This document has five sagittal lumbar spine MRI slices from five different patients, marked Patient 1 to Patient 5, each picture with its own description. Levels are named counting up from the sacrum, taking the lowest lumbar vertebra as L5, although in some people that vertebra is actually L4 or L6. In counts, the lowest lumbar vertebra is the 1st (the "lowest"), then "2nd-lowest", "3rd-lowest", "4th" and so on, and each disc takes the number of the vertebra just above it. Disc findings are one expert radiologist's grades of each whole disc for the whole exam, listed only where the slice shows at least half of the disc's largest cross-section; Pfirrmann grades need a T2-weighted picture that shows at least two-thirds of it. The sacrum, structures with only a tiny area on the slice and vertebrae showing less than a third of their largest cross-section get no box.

Patient 1 of 5:
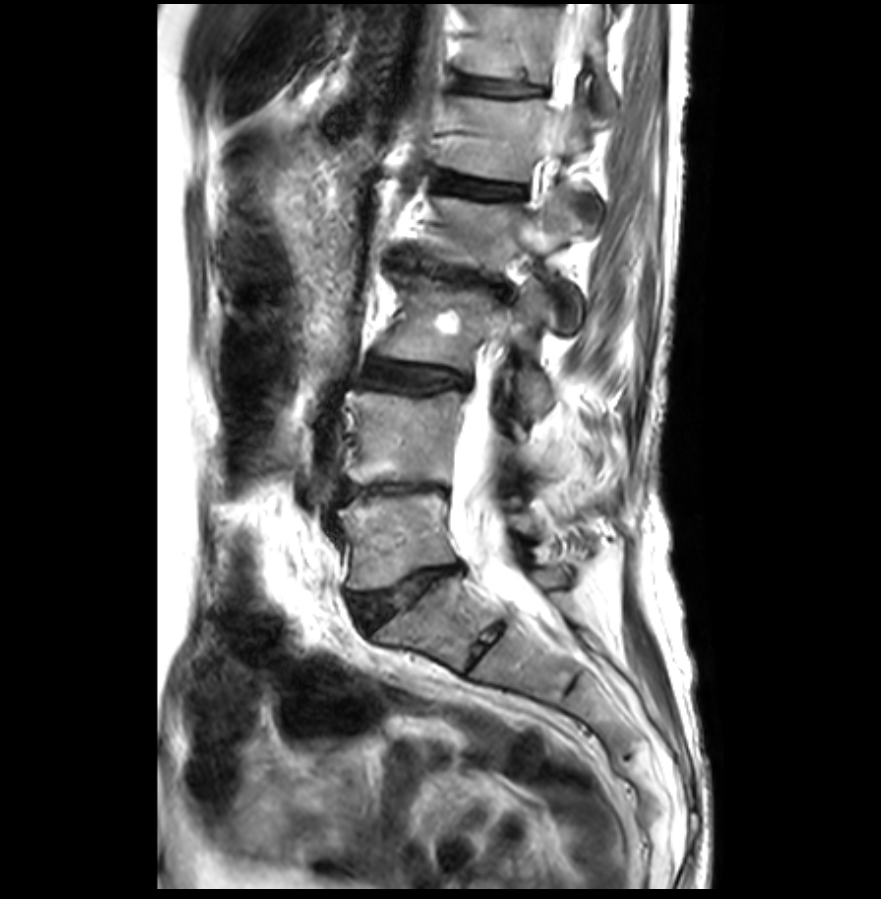

Field of view 280x286 mm, slice spacing 3.3 mm; T2-weighted sagittal MRI of the lumbar spine

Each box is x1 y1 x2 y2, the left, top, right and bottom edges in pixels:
{"L4 vertebra": "344 391 534 483", "L2 vertebra": "421 190 583 331", "IVD T12/L1": "458 77 546 96", "T12": "462 3 617 111", "thecal sac / spinal canal": "452 8 589 619", "IVD L2/L3": "389 255 514 298", "L3": "380 274 554 416", "IVD L4/L5": "340 483 449 502", "L1/L2": "439 173 524 197", "L5/S1": "352 567 457 628", "L3/L4": "362 362 469 392", "L1 vertebra": "439 98 603 235", "L5": "338 491 538 589"}

Expert MSK radiologist gradings (per disc):
- L1/L2: Pfirrmann grade 2, upper-endplate change, lower-endplate change, Modic type II
- L5/S1: Pfirrmann grade 3, disc narrowing, disc bulging, upper-endplate change, lower-endplate change
- L4/L5: Modic type II, disc bulging, disc narrowing
- L2/L3: Pfirrmann grade 5, Modic type II, upper-endplate change, disc bulging, lower-endplate change, disc narrowing, disc herniation
- L3/L4: Pfirrmann grade 3, Modic type II, disc bulging
- T12/L1: upper-endplate change, lower-endplate change

Patient 2 of 5:
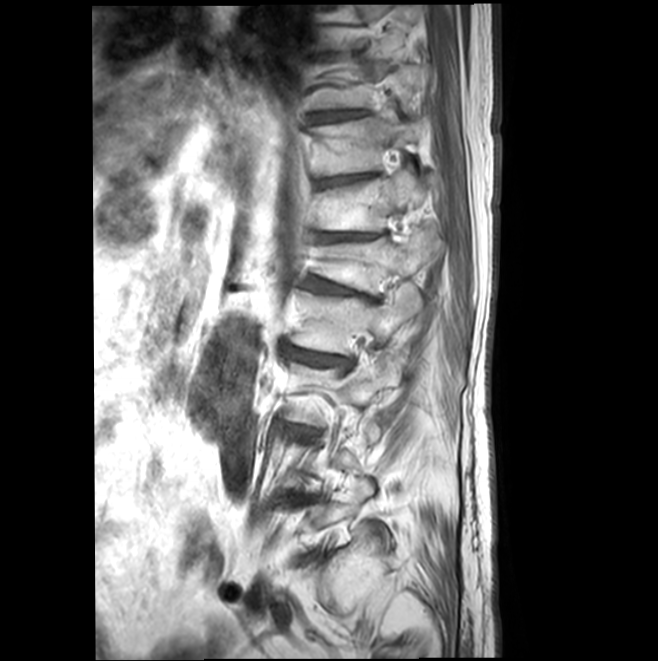

658x661 px, Slice 6 of 22, T1-weighted sagittal MRI of the lumbar spine

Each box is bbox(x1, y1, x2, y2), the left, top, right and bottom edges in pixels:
Disc T11/T12 (7th disc) at bbox(316, 175, 369, 186); L1/L2 (5th disc) at bbox(302, 276, 378, 302); T12 (6th vertebra) at bbox(317, 171, 421, 230); L2 (4th vertebra) at bbox(291, 281, 422, 354); L1 (5th vertebra) at bbox(314, 221, 440, 293); T11 (7th vertebra) at bbox(313, 117, 424, 175); L2/L3 (4th disc) at bbox(284, 347, 344, 365); T10 (8th vertebra) at bbox(317, 63, 417, 110); disc T10/T11 (8th disc) at bbox(315, 110, 359, 122); disc T12/L1 (6th disc) at bbox(320, 233, 374, 241).

Radiological gradings:
  T10/T11 (8th disc): no herniation, bulging, narrowing, spondylolisthesis, endplate or Modic change recorded

Patient 3 of 5:
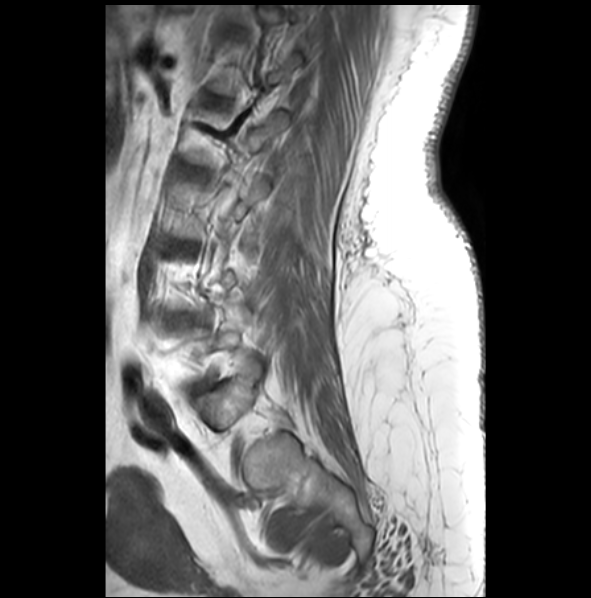
T1-weighted sagittal MRI of the lumbar spine

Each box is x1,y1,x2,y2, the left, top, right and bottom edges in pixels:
Intervertebral disc L4/L5 = 178,314,197,323.
Intervertebral disc L1/L2 = 210,96,221,104.

Patient 4 of 5:
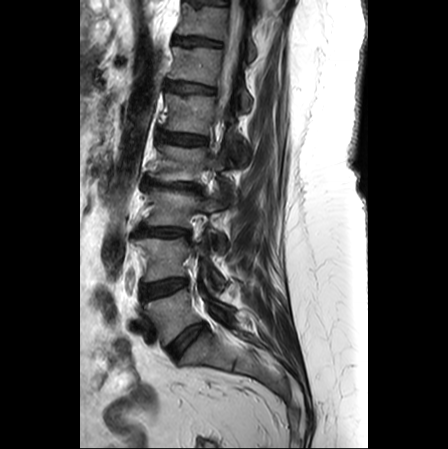 Slice 16/25, Image 448x449, MRI lumbar spine (T2-weighted), sagittal plane
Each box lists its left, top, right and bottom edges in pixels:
Structures:
• IVD T12/L1: left=166, top=81, right=214, bottom=93
• IVD L1/L2: left=157, top=131, right=207, bottom=144
• spinal canal: left=221, top=0, right=242, bottom=107
• L3/L4: left=137, top=228, right=189, bottom=237
• T11/T12: left=174, top=36, right=221, bottom=45
• IVD L4/L5: left=140, top=279, right=187, bottom=300
• L1: left=165, top=93, right=246, bottom=162
• T12 vertebra: left=168, top=46, right=250, bottom=109
• L3: left=144, top=186, right=226, bottom=251
• L4: left=136, top=235, right=225, bottom=289
• L5/S1: left=168, top=322, right=205, bottom=360
• L2: left=149, top=145, right=237, bottom=200
• L5: left=143, top=289, right=232, bottom=345
• T11: left=177, top=2, right=257, bottom=59
• L2/L3: left=143, top=177, right=202, bottom=192

Per-level radiological findings:
  T12/L1: Pfirrmann grade 2, upper-endplate change
  L5/S1: Pfirrmann grade 2, disc bulging
  L4/L5: Pfirrmann grade 2, disc bulging, lower-endplate change, upper-endplate change, Modic type II
  L3/L4: Pfirrmann grade 4, disc bulging, upper-endplate change, disc narrowing, lower-endplate change
  L1/L2: Pfirrmann grade 2, disc bulging
  T11/T12: Pfirrmann grade 3, upper-endplate change
  L2/L3: Pfirrmann grade 5, Modic type II, disc narrowing, lower-endplate change, upper-endplate change, disc herniation

Patient 5 of 5:
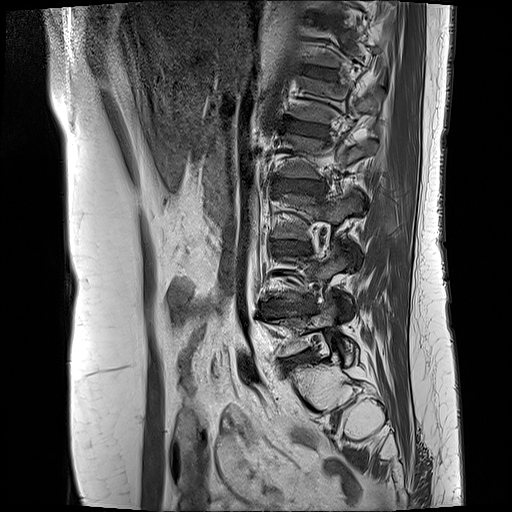 Slice spacing 3.3 mm, Slice 17 of 17, Sagittal T1-weighted lumbar spine MRI

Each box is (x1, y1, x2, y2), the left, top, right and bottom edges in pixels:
L5/S1: (285, 350, 314, 369)
IVD L4/L5: (261, 301, 309, 313)
IVD L2/L3: (277, 179, 324, 194)
IVD T12/L1: (306, 66, 335, 78)
L3/L4: (273, 241, 310, 253)
L1/L2: (283, 118, 327, 136)

Degenerative findings by level:
• L2/L3: Modic type II, disc bulging
• T12/L1: Modic type II
• L3/L4: Modic type II, disc bulging
• L1/L2: Modic type II